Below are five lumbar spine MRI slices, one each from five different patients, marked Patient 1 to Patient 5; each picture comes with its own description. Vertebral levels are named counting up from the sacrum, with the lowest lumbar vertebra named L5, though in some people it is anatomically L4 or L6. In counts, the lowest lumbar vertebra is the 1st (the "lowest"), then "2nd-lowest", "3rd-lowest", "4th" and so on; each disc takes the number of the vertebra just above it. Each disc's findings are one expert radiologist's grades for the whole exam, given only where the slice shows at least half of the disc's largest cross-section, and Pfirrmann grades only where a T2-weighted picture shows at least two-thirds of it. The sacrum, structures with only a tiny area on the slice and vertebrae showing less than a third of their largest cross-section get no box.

Patient 1 of 5:
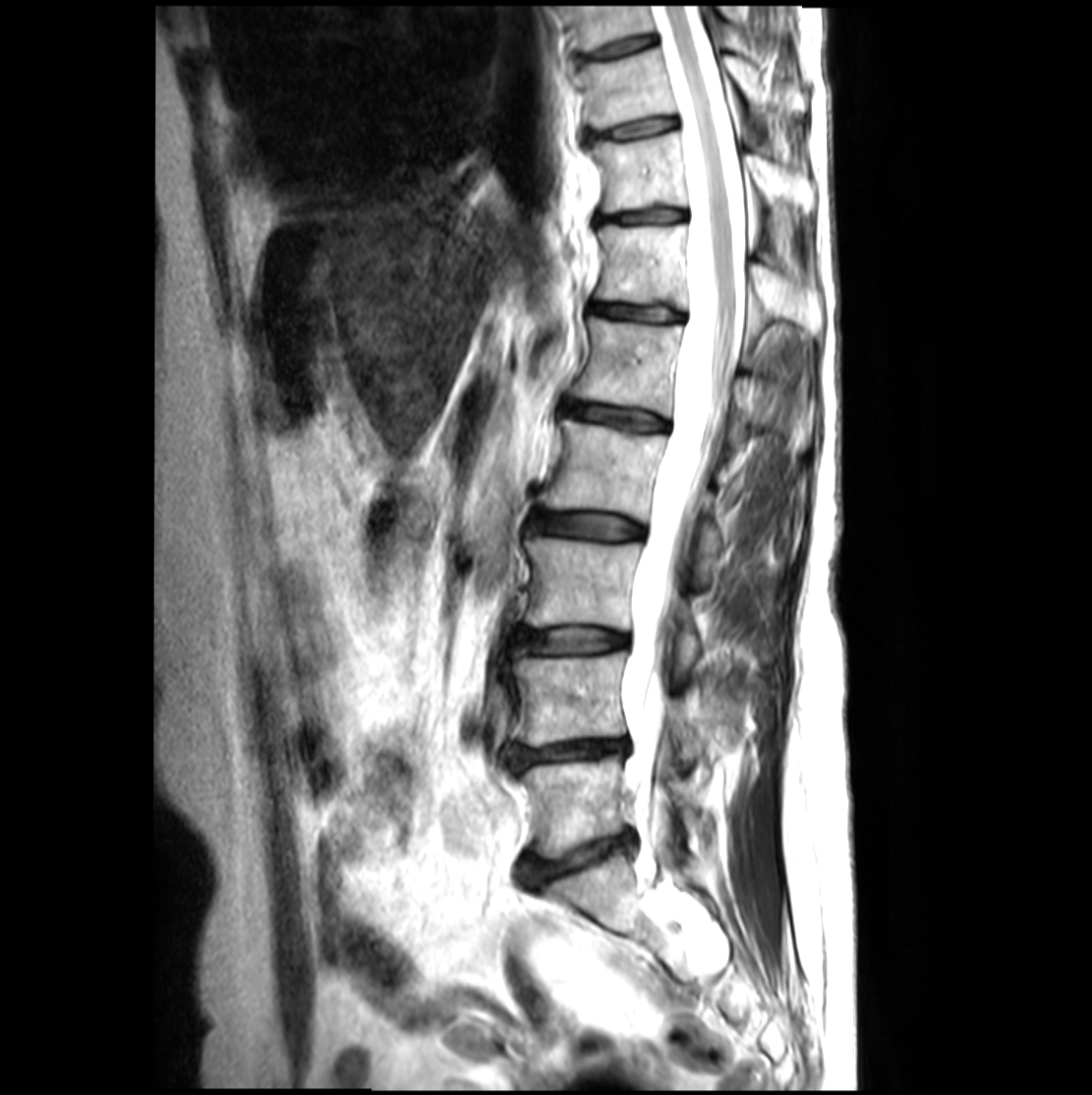
Image 1092x1095. Sagittal T2-weighted lumbar spine MRI. Sex F.

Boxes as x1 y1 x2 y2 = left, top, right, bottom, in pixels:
intervertebral disc T11/T12 (7th disc): 598 208 685 223
L1/L2 (5th disc): 561 401 666 431
T12 (6th vertebra): 596 224 821 331
L4/L5 (2nd-lowest disc): 507 741 625 770
L2/L3 (4th disc): 533 512 643 540
L4 (2nd-lowest vertebra): 513 654 703 760
L1 (5th vertebra): 571 317 804 444
L3 (3rd-lowest vertebra): 525 539 699 670
intervertebral disc T12/L1 (6th disc): 594 304 681 320
L2 (4th vertebra): 541 421 723 581
T11 (7th vertebra): 592 131 813 211
L5 (lowest vertebra): 523 757 697 857
T10 (8th vertebra): 583 48 804 128
L5/S1 (lowest disc): 521 833 631 885
thecal sac / spinal canal: 622 6 745 879
intervertebral disc T10/T11 (8th disc): 586 117 677 141
L3/L4 (3rd-lowest disc): 517 628 626 655

Expert MSK radiologist gradings (per disc):
  L5/S1 (lowest disc): Pfirrmann grade 4, disc narrowing, disc bulging
  L3/L4 (3rd-lowest disc): Pfirrmann grade 3, upper-endplate change, lower-endplate change
  L4/L5 (2nd-lowest disc): Pfirrmann grade 4, disc bulging, upper-endplate change, lower-endplate change, disc herniation, disc narrowing
  T11/T12 (7th disc): Pfirrmann grade 3, upper-endplate change, lower-endplate change
  L2/L3 (4th disc): Pfirrmann grade 3, upper-endplate change, lower-endplate change
  T10/T11 (8th disc): Pfirrmann grade 3, upper-endplate change, lower-endplate change
  L1/L2 (5th disc): Pfirrmann grade 3, upper-endplate change, lower-endplate change
  T12/L1 (6th disc): Pfirrmann grade 3

Patient 2 of 5:
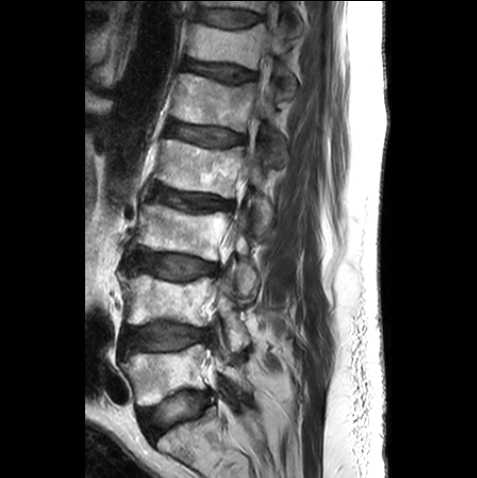 MRI lumbar spine (T2-weighted), sagittal plane. Patient sex: M. Sagittal slice index 16.

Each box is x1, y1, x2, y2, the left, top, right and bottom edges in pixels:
L3/L4 (3rd-lowest disc) at 135, 252, 217, 279.
T11 (7th vertebra) at 199, 0, 302, 35.
Intervertebral disc L1/L2 (5th disc) at 167, 121, 244, 145.
L2 (4th vertebra) at 154, 139, 272, 237.
T12 (6th vertebra) at 187, 23, 296, 98.
T12/L1 (6th disc) at 183, 60, 254, 82.
Thecal sac / spinal canal at 245, 89, 264, 178.
L2/L3 (4th disc) at 150, 184, 232, 211.
L4/L5 (2nd-lowest disc) at 122, 320, 208, 352.
L3 (3rd-lowest vertebra) at 134, 203, 259, 305.
L4 (2nd-lowest vertebra) at 119, 272, 250, 351.
Intervertebral disc L5/S1 (lowest disc) at 138, 391, 209, 438.
L1 (5th vertebra) at 170, 72, 285, 164.
Intervertebral disc T11/T12 (7th disc) at 196, 8, 260, 27.
L5 (lowest vertebra) at 120, 344, 252, 405.

Degenerative findings by level:
  L1/L2 (5th disc): Pfirrmann grade 3
  L5/S1 (lowest disc): Pfirrmann grade 1
  T12/L1 (6th disc): Pfirrmann grade 3, upper-endplate change
  L4/L5 (2nd-lowest disc): Pfirrmann grade 2, lower-endplate change
  L2/L3 (4th disc): Pfirrmann grade 3, upper-endplate change
  L3/L4 (3rd-lowest disc): Pfirrmann grade 2
  T11/T12 (7th disc): Pfirrmann grade 2

Patient 3 of 5:
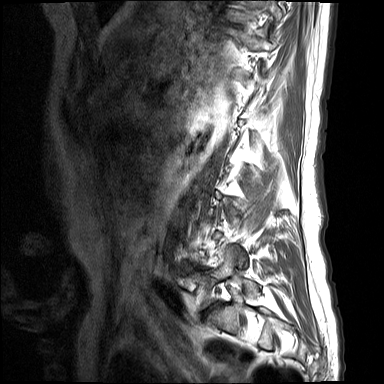 T1-weighted sagittal MRI of the lumbar spine | Patient sex: F
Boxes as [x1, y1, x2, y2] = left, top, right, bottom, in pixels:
L5/S1 (lowest disc) at [204, 302, 218, 316], L5 (lowest vertebra) at [192, 244, 259, 307].

Patient 4 of 5:
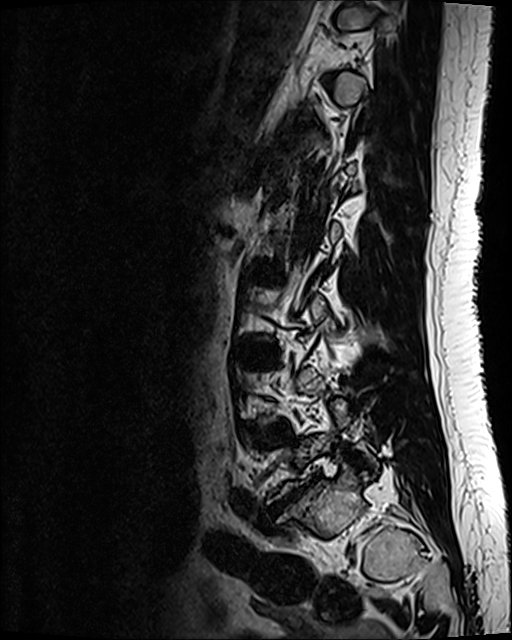 512x640 px | Lumbar spine MR, T2 SPACE (3D), sagittal | Field of view 240x300 mm, slice spacing 0.9 mm

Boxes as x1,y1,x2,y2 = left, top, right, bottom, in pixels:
Segmented structures:
- L4/L5: 262,426,283,436
- L3/L4: 240,350,271,360
- intervertebral disc L5/S1: 275,489,303,511

Patient 5 of 5:
512x640 px, Lumbar spine MR, T2 SPACE (3D), sagittal
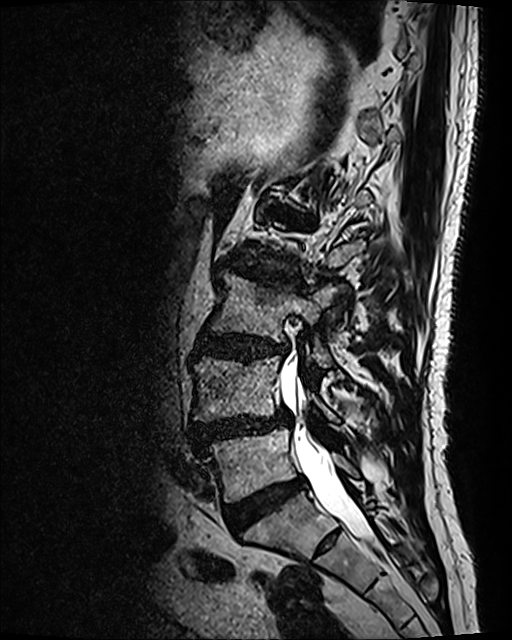

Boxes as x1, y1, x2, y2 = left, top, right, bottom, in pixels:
L5 = 202, 427, 358, 501 | L2/L3 = 227, 260, 302, 287 | thecal sac / spinal canal = 280, 362, 371, 540 | L5/S1 = 224, 477, 307, 526 | L4/L5 = 191, 411, 289, 448 | L3 = 211, 272, 344, 368 | IVD L1/L2 = 271, 204, 306, 225 | L3/L4 = 196, 332, 286, 360 | L4 vertebra = 193, 355, 339, 422

Per-level radiological findings:
- L3/L4: Pfirrmann grade 4, disc bulging, lower-endplate change, upper-endplate change
- L5/S1: Pfirrmann grade 4
- L4/L5: Pfirrmann grade 4, lower-endplate change, upper-endplate change, disc bulging, spondylolisthesis, disc herniation, disc narrowing, Modic type II